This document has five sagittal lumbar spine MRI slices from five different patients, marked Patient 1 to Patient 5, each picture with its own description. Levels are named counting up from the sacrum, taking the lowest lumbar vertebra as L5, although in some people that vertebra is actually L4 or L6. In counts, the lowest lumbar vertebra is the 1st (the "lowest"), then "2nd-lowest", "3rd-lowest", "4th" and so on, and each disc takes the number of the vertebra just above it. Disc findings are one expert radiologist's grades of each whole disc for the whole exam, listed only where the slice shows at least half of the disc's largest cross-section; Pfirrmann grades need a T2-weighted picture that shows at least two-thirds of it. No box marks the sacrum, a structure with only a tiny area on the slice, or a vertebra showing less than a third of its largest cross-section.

Patient 1 of 5:
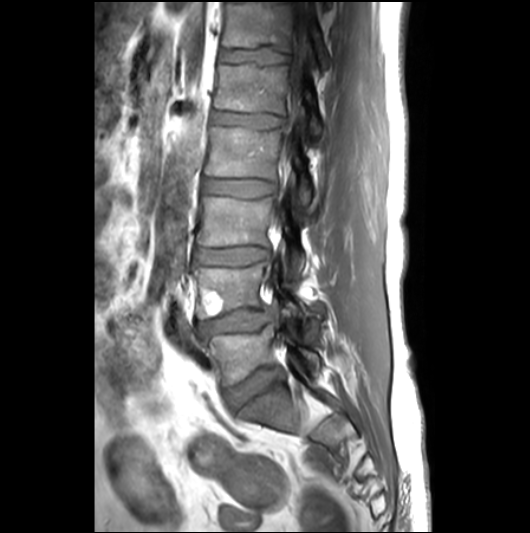

MRI lumbar spine (T1-weighted), sagittal plane | Patient sex: M | Slice 16/26
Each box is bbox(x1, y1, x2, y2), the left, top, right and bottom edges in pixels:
L3 vertebra: bbox(197, 197, 305, 277).
IVD L4/L5: bbox(199, 308, 273, 334).
IVD L5/S1: bbox(225, 367, 280, 410).
L4 vertebra: bbox(194, 256, 304, 319).
L1: bbox(214, 63, 320, 140).
L2 vertebra: bbox(206, 127, 311, 204).
L1/L2: bbox(213, 111, 283, 128).
T12/L1: bbox(220, 46, 287, 67).
T12: bbox(222, 2, 328, 67).
L3/L4: bbox(195, 247, 268, 265).
L5 vertebra: bbox(204, 311, 320, 385).
Spinal canal: bbox(284, 2, 307, 158).
L2/L3: bbox(203, 179, 276, 197).

Degenerative findings by level:
- T12/L1: lower-endplate change
- L3/L4: disc bulging, upper-endplate change
- L5/S1: disc bulging
- L4/L5: disc herniation, disc narrowing, disc bulging, Modic type II
- L2/L3, L1/L2: no herniation, bulging, narrowing, spondylolisthesis, endplate or Modic change recorded

Patient 2 of 5:
T1-weighted sagittal MRI of the lumbar spine; Slice 19 of 19

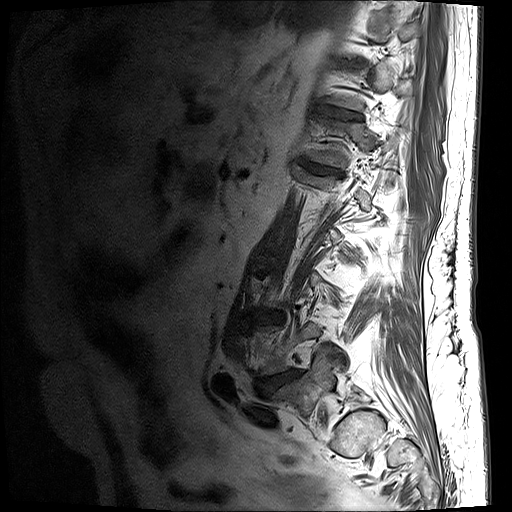

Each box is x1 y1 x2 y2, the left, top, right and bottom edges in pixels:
L5 vertebra — 272 353 358 414.
Disc L4/L5 — 263 373 295 393.
Disc T12/L1 — 308 165 334 172.
Disc T11/T12 — 325 108 358 117.
T12 — 307 115 405 167.

Patient 3 of 5:
Slice 53 of 120 | MRI lumbar spine (T2 SPACE (3D)), sagittal plane | 512x640 px

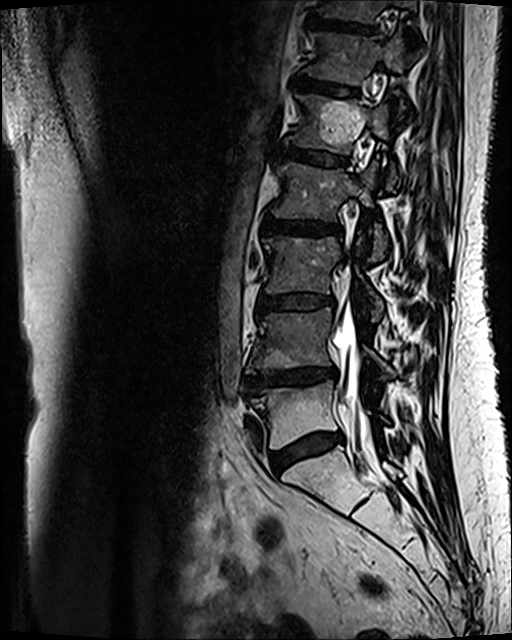
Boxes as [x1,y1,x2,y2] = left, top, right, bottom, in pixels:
- 7th disc: [308,17,373,33]
- 7th vertebra: [318,0,415,22]
- 6th disc: [294,77,357,96]
- spinal canal: [333,261,371,440]
- 4th vertebra: [273,163,388,260]
- 2nd-lowest disc: [242,368,336,394]
- 5th vertebra: [288,94,399,190]
- 4th disc: [262,217,342,235]
- 3rd-lowest disc: [257,295,333,312]
- 2nd-lowest vertebra: [246,307,392,379]
- 6th vertebra: [305,32,409,112]
- 5th disc: [282,147,346,166]
- lowest vertebra: [252,380,388,448]
- lowest disc: [271,433,342,473]
- 3rd-lowest vertebra: [263,236,383,321]

Radiological gradings:
• 6th disc: Pfirrmann grade 3, Modic type II
• 2nd-lowest disc: Pfirrmann grade 4, disc narrowing, upper-endplate change, lower-endplate change, disc bulging, Modic type II
• lowest disc: Pfirrmann grade 3, Modic type II, disc bulging
• 4th disc: Pfirrmann grade 3, Modic type II, disc bulging
• 7th disc: lower-endplate change, Modic type II, upper-endplate change
• 3rd-lowest disc: Pfirrmann grade 3, disc bulging, Modic type II
• 5th disc: Pfirrmann grade 3, Modic type II

Patient 4 of 5:
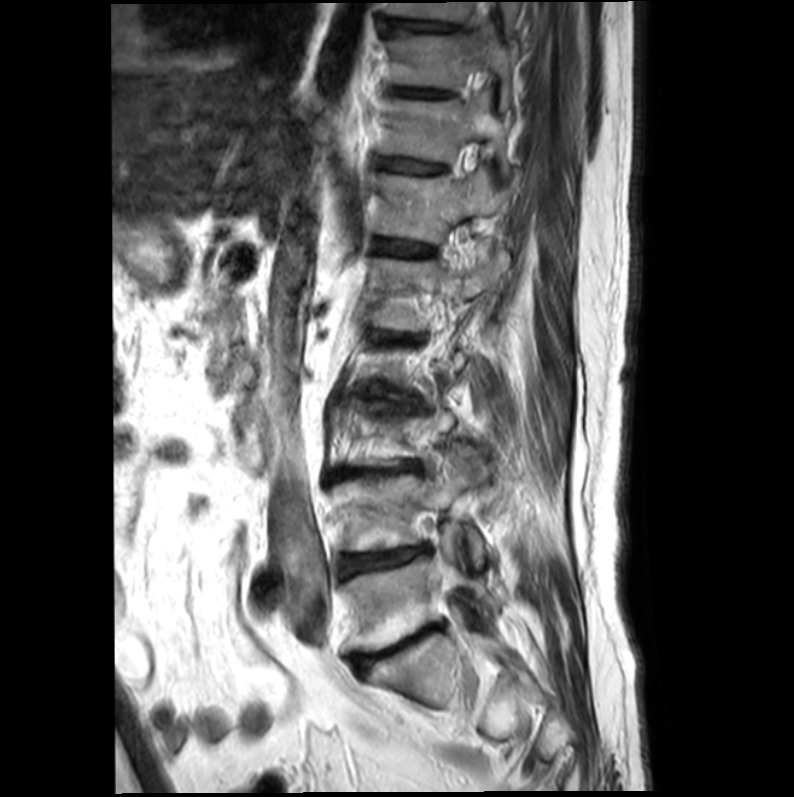 Slice 6 of 21; Sex M; 794x797 px; T2-weighted sagittal MRI of the lumbar spine

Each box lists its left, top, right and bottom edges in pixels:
9th vertebra = left=386, top=1, right=517, bottom=33.
8th vertebra = left=390, top=33, right=513, bottom=109.
2nd-lowest vertebra = left=332, top=459, right=484, bottom=565.
8th disc = left=391, top=86, right=447, bottom=96.
7th vertebra = left=381, top=89, right=507, bottom=174.
6th disc = left=375, top=239, right=431, bottom=256.
3rd-lowest disc = left=338, top=466, right=412, bottom=476.
Lowest disc = left=352, top=624, right=440, bottom=668.
6th vertebra = left=375, top=165, right=510, bottom=244.
9th disc = left=384, top=18, right=456, bottom=31.
7th disc = left=380, top=158, right=440, bottom=172.
Lowest vertebra = left=343, top=543, right=500, bottom=651.
5th vertebra = left=369, top=241, right=510, bottom=332.
2nd-lowest disc = left=342, top=546, right=427, bottom=576.

Radiological gradings:
• 7th disc: Pfirrmann grade 3
• lowest disc: Pfirrmann grade 5, upper-endplate change, disc narrowing, disc bulging, Modic type II, lower-endplate change
• 9th disc: Pfirrmann grade 3
• 2nd-lowest disc: Modic type II, disc narrowing, disc bulging, upper-endplate change, lower-endplate change
• 8th disc, 6th disc: no herniation, bulging, narrowing, spondylolisthesis, endplate or Modic change recorded

Patient 5 of 5:
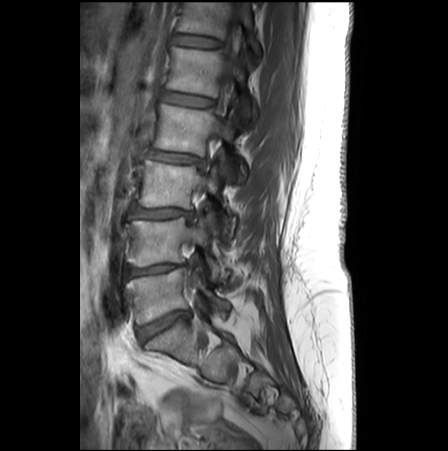

Patient sex: F. Lumbar spine MR, T1-weighted, sagittal.

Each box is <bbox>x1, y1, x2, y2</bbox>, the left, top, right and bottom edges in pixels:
Structures:
• 3rd-lowest disc: <bbox>130, 206, 190, 218</bbox>
• 3rd-lowest vertebra: <bbox>138, 160, 234, 237</bbox>
• thecal sac / spinal canal: <bbox>199, 0, 240, 189</bbox>
• lowest disc: <bbox>138, 311, 190, 342</bbox>
• 2nd-lowest disc: <bbox>122, 263, 185, 276</bbox>
• 6th disc: <bbox>173, 33, 220, 47</bbox>
• 5th vertebra: <bbox>167, 47, 255, 126</bbox>
• 2nd-lowest vertebra: <bbox>125, 217, 227, 281</bbox>
• 4th disc: <bbox>148, 151, 201, 164</bbox>
• 5th disc: <bbox>163, 91, 212, 107</bbox>
• 6th vertebra: <bbox>178, 0, 260, 54</bbox>
• 4th vertebra: <bbox>152, 104, 245, 182</bbox>
• lowest vertebra: <bbox>126, 268, 229, 323</bbox>

Radiological gradings:
  4th disc: disc bulging, disc narrowing
  3rd-lowest disc: disc bulging, Modic type II
  2nd-lowest disc: disc bulging, Modic type II, disc narrowing, upper-endplate change
  lowest disc: disc narrowing, disc bulging, Modic type II
  5th disc, 6th disc: no spondylolisthesis, narrowing, bulging, herniation, Modic or endplate change recorded